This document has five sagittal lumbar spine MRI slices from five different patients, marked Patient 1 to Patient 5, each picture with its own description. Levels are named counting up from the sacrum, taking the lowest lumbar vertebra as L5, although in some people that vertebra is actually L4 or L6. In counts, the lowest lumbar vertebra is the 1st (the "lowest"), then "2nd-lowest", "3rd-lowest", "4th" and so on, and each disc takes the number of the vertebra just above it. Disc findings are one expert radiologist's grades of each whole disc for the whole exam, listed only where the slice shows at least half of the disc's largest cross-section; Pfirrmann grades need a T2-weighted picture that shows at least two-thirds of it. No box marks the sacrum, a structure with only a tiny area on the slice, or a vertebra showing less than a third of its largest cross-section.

Patient 1 of 5:
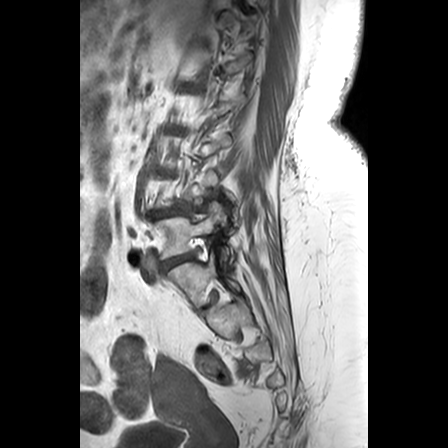
T1-weighted sagittal MRI of the lumbar spine; Sex F
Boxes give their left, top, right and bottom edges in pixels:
Disc L4/L5 at left=153, top=208, right=181, bottom=216; disc L5/S1 at left=161, top=253, right=191, bottom=267; L5 at left=157, top=199, right=231, bottom=257.

Patient 2 of 5:
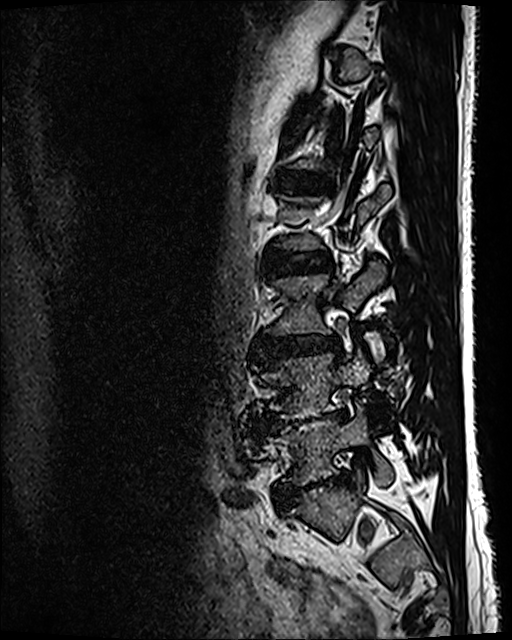 Sagittal slice index 81. Lumbar spine MR, T2 SPACE (3D), sagittal.
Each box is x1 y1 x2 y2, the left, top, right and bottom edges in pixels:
L4 vertebra at 259 351 369 418 | L5/S1 at 277 473 347 504 | L3 vertebra at 269 264 385 334 | L1/L2 at 277 174 331 190 | intervertebral disc L3/L4 at 259 335 337 360 | L4/L5 at 268 410 345 426 | intervertebral disc L2/L3 at 270 253 331 274 | L5 vertebra at 268 407 392 485

Expert MSK radiologist gradings (per disc):
- L5/S1: lower-endplate change, spondylolisthesis, disc narrowing, disc bulging
- L2/L3: Pfirrmann grade 2
- L3/L4: Pfirrmann grade 3, disc narrowing, disc bulging
- L1/L2: no herniation, bulging, narrowing, spondylolisthesis, endplate or Modic change recorded

Patient 3 of 5:
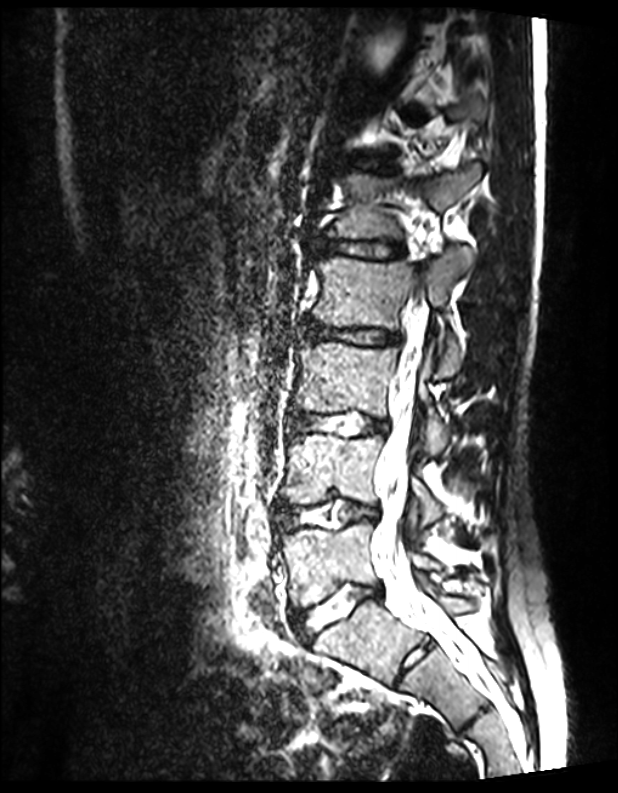
Sagittal T2 SPACE (3D) lumbar spine MRI; Field of view 240x308 mm, slice spacing 0.9 mm
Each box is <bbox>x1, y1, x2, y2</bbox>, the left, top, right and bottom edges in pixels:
* 4th disc at <bbox>303, 322, 399, 345</bbox>
* spinal canal at <bbox>372, 262, 483, 681</bbox>
* 3rd-lowest disc at <bbox>288, 412, 387, 436</bbox>
* 5th disc at <bbox>313, 237, 404, 258</bbox>
* 4th vertebra at <bbox>311, 256, 461, 377</bbox>
* 5th vertebra at <bbox>324, 163, 480, 261</bbox>
* lowest disc at <bbox>293, 583, 381, 641</bbox>
* 3rd-lowest vertebra at <bbox>290, 342, 451, 451</bbox>
* lowest vertebra at <bbox>281, 521, 444, 606</bbox>
* 2nd-lowest vertebra at <bbox>281, 435, 467, 521</bbox>
* 6th disc at <bbox>341, 157, 395, 172</bbox>
* 2nd-lowest disc at <bbox>277, 498, 376, 528</bbox>

Radiological gradings:
- 5th disc: Pfirrmann grade 1
- 3rd-lowest disc: Pfirrmann grade 1
- lowest disc: Pfirrmann grade 1
- 4th disc: Pfirrmann grade 1
- 2nd-lowest disc: Pfirrmann grade 1
- 6th disc: no herniation, bulging, narrowing, spondylolisthesis, endplate or Modic change recorded

Patient 4 of 5:
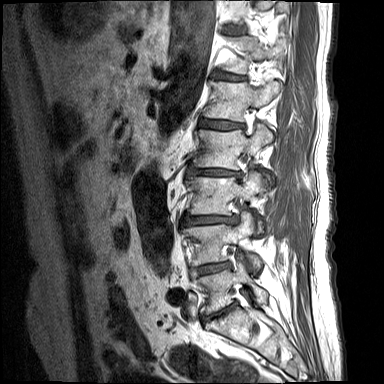
T1-weighted sagittal MRI of the lumbar spine; Patient sex: M; Slice spacing 4.4 mm; Image 384x384; Sagittal slice index 11
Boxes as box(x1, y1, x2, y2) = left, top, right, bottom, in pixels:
• 2nd-lowest disc = box(190, 261, 231, 276)
• 2nd-lowest vertebra = box(182, 212, 262, 270)
• 5th disc = box(199, 118, 245, 129)
• lowest vertebra = box(193, 259, 267, 314)
• 4th disc = box(187, 167, 242, 178)
• 3rd-lowest disc = box(181, 214, 237, 226)
• 6th vertebra = box(222, 36, 286, 73)
• 5th vertebra = box(204, 80, 282, 121)
• 3rd-lowest vertebra = box(186, 171, 263, 233)
• 4th vertebra = box(193, 124, 275, 187)
• lowest disc = box(201, 304, 234, 322)
• 6th disc = box(212, 72, 246, 80)

Per-level radiological findings:
- 2nd-lowest disc: disc bulging, Modic type II, disc narrowing, lower-endplate change
- 5th disc: disc bulging, Modic type II, lower-endplate change, disc narrowing
- 3rd-lowest disc: upper-endplate change, disc narrowing, Modic type II, lower-endplate change, disc herniation
- 6th disc: Modic type II, disc narrowing
- 4th disc: lower-endplate change, Modic type II, disc herniation, disc narrowing

Patient 5 of 5:
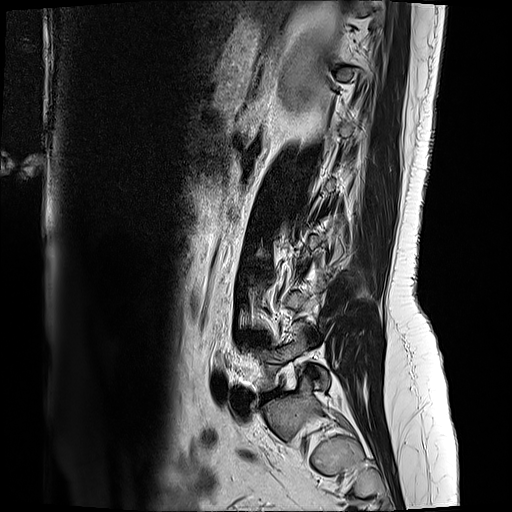
MRI lumbar spine (T2-weighted), sagittal plane; 512x512 px

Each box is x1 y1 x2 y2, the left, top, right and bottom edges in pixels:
{"3rd-lowest disc": "255 267 268 274", "lowest disc": "259 390 281 400", "2nd-lowest disc": "239 332 270 343", "lowest vertebra": "256 322 330 390"}